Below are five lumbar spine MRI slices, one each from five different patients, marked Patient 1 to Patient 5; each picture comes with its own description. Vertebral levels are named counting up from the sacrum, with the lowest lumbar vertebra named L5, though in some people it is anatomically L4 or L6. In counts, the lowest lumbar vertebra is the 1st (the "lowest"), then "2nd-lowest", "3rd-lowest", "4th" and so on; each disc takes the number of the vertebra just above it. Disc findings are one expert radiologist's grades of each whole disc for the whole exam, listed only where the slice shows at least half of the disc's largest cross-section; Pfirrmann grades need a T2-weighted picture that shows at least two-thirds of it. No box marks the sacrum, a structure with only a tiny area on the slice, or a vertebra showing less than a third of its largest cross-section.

Patient 1 of 5:
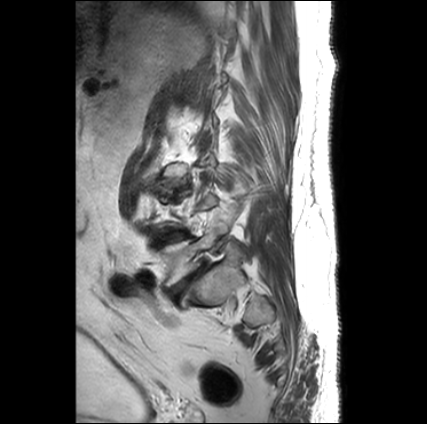 Lumbar spine MR, T2-weighted, sagittal, Sex M
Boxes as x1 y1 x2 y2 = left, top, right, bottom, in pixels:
IVD L4/L5 (2nd-lowest disc) — 158 230 189 241.
L5 (lowest vertebra) — 160 222 227 289.
L5/S1 (lowest disc) — 167 265 205 301.

Degenerative findings by level:
- L5/S1 (lowest disc): spondylolisthesis, Modic type II, lower-endplate change, upper-endplate change, disc bulging, disc narrowing

Patient 2 of 5:
Sagittal T2-weighted lumbar spine MRI

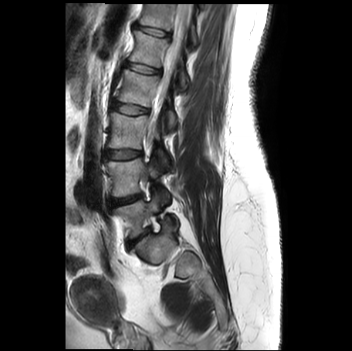
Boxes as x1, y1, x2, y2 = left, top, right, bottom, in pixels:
2nd-lowest vertebra: 105, 159, 168, 202 | spinal canal: 150, 4, 192, 131 | 3rd-lowest disc: 105, 149, 141, 159 | 4th disc: 111, 101, 148, 114 | 3rd-lowest vertebra: 108, 112, 171, 169 | 5th disc: 126, 62, 160, 73 | 5th vertebra: 130, 31, 188, 90 | 6th vertebra: 139, 4, 199, 47 | lowest vertebra: 115, 195, 177, 237 | lowest disc: 131, 229, 150, 242 | 4th vertebra: 117, 70, 176, 131 | 2nd-lowest disc: 110, 195, 141, 205 | 6th disc: 135, 25, 169, 36

Expert MSK radiologist gradings (per disc):
• 5th disc: Pfirrmann grade 1
• 3rd-lowest disc: Pfirrmann grade 1
• 4th disc: Pfirrmann grade 1
• 6th disc: Pfirrmann grade 1

Patient 3 of 5:
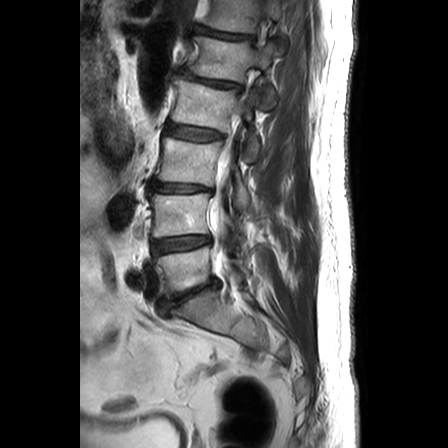
MRI lumbar spine (T2-weighted), sagittal plane

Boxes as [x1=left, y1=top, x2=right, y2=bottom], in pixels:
intervertebral disc L2/L3 at [x1=165, y1=124, x2=222, y2=140] | L5/S1 at [x1=159, y1=279, x2=219, y2=317] | L4 at [x1=149, y1=193, x2=241, y2=238] | L5 at [x1=154, y1=246, x2=249, y2=298] | T12/L1 at [x1=196, y1=26, x2=253, y2=39] | L2 at [x1=171, y1=79, x2=259, y2=162] | L3/L4 at [x1=151, y1=180, x2=212, y2=192] | L1 vertebra at [x1=189, y1=36, x2=276, y2=109] | thecal sac / spinal canal at [x1=210, y1=149, x2=230, y2=239] | intervertebral disc L1/L2 at [x1=180, y1=71, x2=241, y2=90] | T12 vertebra at [x1=205, y1=0, x2=287, y2=54] | L3 at [x1=156, y1=137, x2=249, y2=211] | L4/L5 at [x1=151, y1=236, x2=210, y2=254]

Degenerative findings by level:
- T12/L1: Pfirrmann grade 3, disc bulging, disc narrowing
- L3/L4: Pfirrmann grade 5, disc herniation, disc narrowing
- L5/S1: Pfirrmann grade 5, disc narrowing, disc bulging
- L4/L5: Pfirrmann grade 2, disc bulging
- L2/L3: Pfirrmann grade 2
- L1/L2: Pfirrmann grade 3, disc narrowing, disc bulging

Patient 4 of 5:
Field of view 240x300 mm | Lumbar spine MR, T2 SPACE (3D), sagittal | SIEMENS Avanto_fit (1.5T)

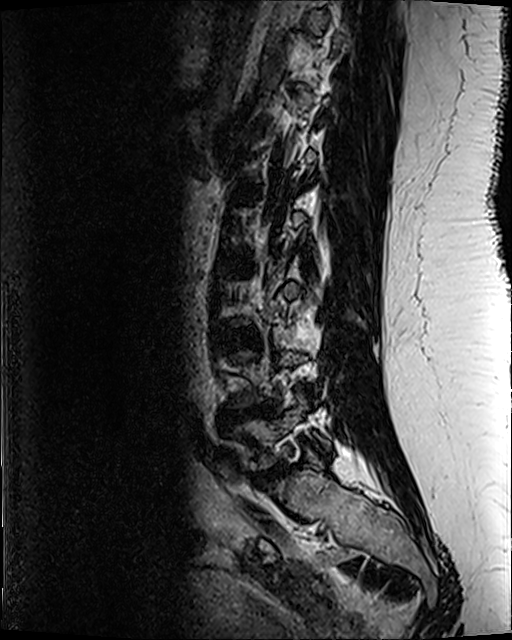 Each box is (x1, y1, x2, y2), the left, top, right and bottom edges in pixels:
Structures:
* lowest disc = (255, 468, 281, 481)
* lowest vertebra = (235, 396, 329, 469)
* 3rd-lowest disc = (234, 330, 254, 345)
* 2nd-lowest disc = (226, 408, 274, 420)

Patient 5 of 5:
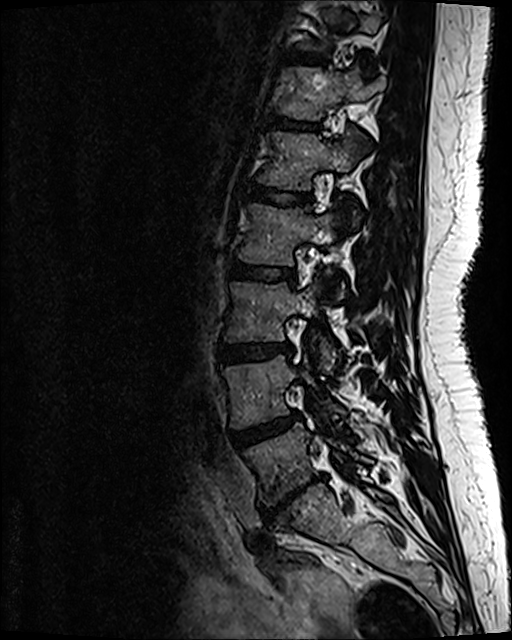 Slice 77/120 | T2 SPACE (3D) sagittal MRI of the lumbar spine

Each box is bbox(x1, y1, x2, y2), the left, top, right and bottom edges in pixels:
2nd-lowest vertebra at bbox(224, 356, 343, 426); 3rd-lowest vertebra at bbox(225, 282, 336, 370); lowest disc at bbox(262, 475, 324, 519); 7th disc at bbox(284, 52, 323, 62); 5th disc at bbox(244, 185, 310, 207); 4th disc at bbox(230, 261, 295, 281); 2nd-lowest disc at bbox(229, 412, 300, 447); lowest vertebra at bbox(245, 424, 371, 504); 6th vertebra at bbox(278, 67, 383, 119); 3rd-lowest disc at bbox(219, 345, 291, 363); 4th vertebra at bbox(238, 205, 342, 297); 6th disc at bbox(266, 115, 317, 129); 5th vertebra at bbox(258, 133, 360, 189).

Expert MSK radiologist gradings (per disc):
• 6th disc: Pfirrmann grade 2
• 2nd-lowest disc: Pfirrmann grade 3, disc bulging
• 5th disc: Pfirrmann grade 2
• 4th disc: Pfirrmann grade 2
• 3rd-lowest disc: Pfirrmann grade 2, disc bulging